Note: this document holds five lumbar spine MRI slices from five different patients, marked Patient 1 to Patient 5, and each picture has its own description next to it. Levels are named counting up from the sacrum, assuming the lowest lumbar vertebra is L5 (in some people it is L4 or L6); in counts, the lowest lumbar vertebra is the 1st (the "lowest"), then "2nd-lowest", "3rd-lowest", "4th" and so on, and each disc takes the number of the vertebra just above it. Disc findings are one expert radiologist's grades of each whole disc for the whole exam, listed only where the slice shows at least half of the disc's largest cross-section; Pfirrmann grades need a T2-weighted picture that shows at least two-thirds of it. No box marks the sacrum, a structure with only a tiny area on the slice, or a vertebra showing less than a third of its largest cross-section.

Patient 1 of 5:
Slice 13 of 18; Slice spacing 4.4 mm; Sagittal T2-weighted lumbar spine MRI 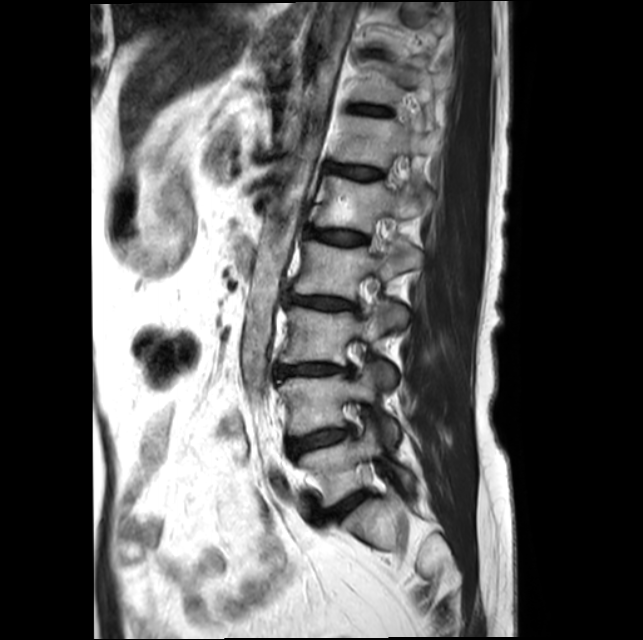 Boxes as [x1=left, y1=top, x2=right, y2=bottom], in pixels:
lowest vertebra — [x1=298, y1=427, x2=412, y2=506] | 7th disc — [x1=352, y1=104, x2=389, y2=115] | 7th vertebra — [x1=353, y1=60, x2=443, y2=104] | lowest disc — [x1=330, y1=492, x2=367, y2=518] | 4th disc — [x1=289, y1=295, x2=356, y2=310] | 3rd-lowest disc — [x1=277, y1=364, x2=351, y2=376] | 2nd-lowest disc — [x1=288, y1=428, x2=352, y2=456] | 5th vertebra — [x1=313, y1=175, x2=419, y2=233] | 2nd-lowest vertebra — [x1=277, y1=365, x2=397, y2=444] | 5th disc — [x1=309, y1=230, x2=366, y2=244] | 6th disc — [x1=328, y1=164, x2=381, y2=180] | 4th vertebra — [x1=294, y1=240, x2=421, y2=325] | 6th vertebra — [x1=335, y1=114, x2=422, y2=168] | 3rd-lowest vertebra — [x1=279, y1=301, x2=404, y2=385]

Expert MSK radiologist gradings (per disc):
- 3rd-lowest disc: Pfirrmann grade 3, Modic type II, lower-endplate change, disc bulging, upper-endplate change, disc narrowing
- 5th disc: Pfirrmann grade 2, Modic type II
- 6th disc: Pfirrmann grade 2
- 4th disc: Pfirrmann grade 3, disc narrowing, Modic type II, disc bulging, lower-endplate change, upper-endplate change
- 2nd-lowest disc: Pfirrmann grade 2, upper-endplate change, lower-endplate change, disc bulging, Modic type II
- 7th disc: no herniation, bulging, narrowing, spondylolisthesis, endplate or Modic change recorded

Patient 2 of 5:
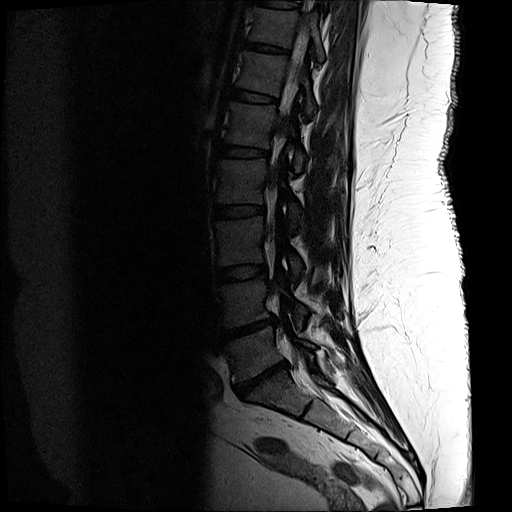 Sagittal T2-weighted lumbar spine MRI

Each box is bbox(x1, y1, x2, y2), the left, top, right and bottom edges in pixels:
Intervertebral disc L2/L3 = bbox(214, 205, 264, 217).
Intervertebral disc T11/T12 = bbox(246, 42, 288, 52).
L2 = bbox(216, 159, 302, 230).
L4 vertebra = bbox(219, 275, 307, 327).
T11 vertebra = bbox(250, 7, 324, 61).
L5 = bbox(224, 326, 317, 382).
L1 = bbox(226, 102, 306, 172).
L1/L2 = bbox(221, 144, 268, 157).
Thecal sac / spinal canal = bbox(268, 26, 308, 360).
L3 = bbox(215, 216, 303, 279).
Intervertebral disc L4/L5 = bbox(223, 317, 277, 340).
Intervertebral disc L3/L4 = bbox(217, 265, 266, 282).
T12 = bbox(238, 51, 317, 117).
T12/L1 = bbox(234, 90, 276, 102).
L5/S1 = bbox(234, 361, 288, 398).

Per-level radiological findings:
  L4/L5: Pfirrmann grade 5, disc herniation, Modic type II, upper-endplate change, lower-endplate change, disc narrowing
  L3/L4: Pfirrmann grade 3
  L5/S1: Pfirrmann grade 5, Modic type II, disc herniation, lower-endplate change, upper-endplate change, disc narrowing
  L2/L3: Pfirrmann grade 3, lower-endplate change, upper-endplate change
  T11/T12: Pfirrmann grade 3, lower-endplate change
  L1/L2: Pfirrmann grade 3, lower-endplate change
  T12/L1: Pfirrmann grade 3

Patient 3 of 5:
Image 512x640. Field of view 240x300 mm, slice spacing 0.9 mm. MRI lumbar spine (T2 SPACE (3D)), sagittal plane. 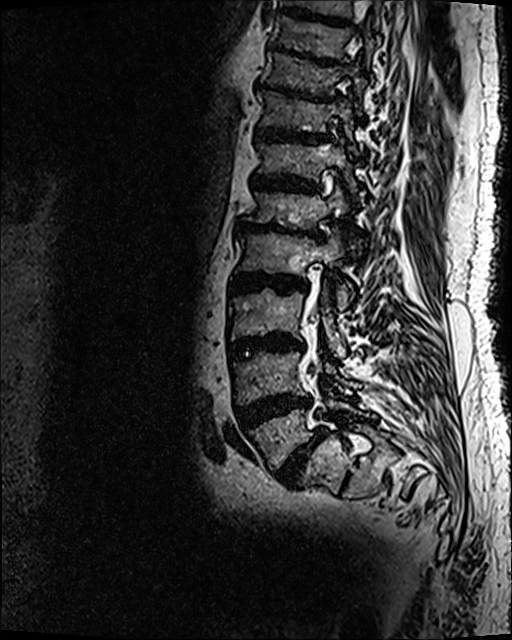 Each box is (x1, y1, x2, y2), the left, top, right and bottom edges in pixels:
Structures:
- T9/T10 = (266, 45, 341, 65)
- L4 vertebra = (231, 352, 360, 403)
- T11 vertebra = (258, 91, 355, 152)
- L2 vertebra = (236, 224, 355, 310)
- disc L2/L3 = (229, 271, 307, 293)
- L3/L4 = (229, 333, 303, 358)
- L1 vertebra = (241, 178, 356, 248)
- disc T11/T12 = (254, 127, 332, 145)
- L5 vertebra = (246, 397, 376, 469)
- L1/L2 = (235, 219, 326, 241)
- T12 vertebra = (255, 134, 363, 204)
- disc L4/L5 = (234, 394, 313, 431)
- L5/S1 = (276, 427, 326, 487)
- L3 = (231, 280, 346, 358)
- T10 vertebra = (261, 50, 366, 116)
- disc T10/T11 = (255, 82, 331, 103)
- disc T12/L1 = (250, 174, 319, 194)

Per-level radiological findings:
  T11/T12: Pfirrmann grade 5, disc narrowing, lower-endplate change, disc bulging, upper-endplate change, Modic type II
  L2/L3: Pfirrmann grade 5, Modic type II, disc bulging, lower-endplate change, disc narrowing, upper-endplate change
  L3/L4: Pfirrmann grade 5, lower-endplate change, upper-endplate change, disc narrowing, disc bulging, Modic type II
  L4/L5: Pfirrmann grade 5, lower-endplate change, disc narrowing, Modic type II, disc bulging, upper-endplate change
  T12/L1: Pfirrmann grade 5, disc bulging, disc narrowing, lower-endplate change, Modic type II, upper-endplate change
  L5/S1: Pfirrmann grade 5, lower-endplate change, upper-endplate change, disc narrowing, Modic type II, spondylolisthesis, disc bulging
  L1/L2: upper-endplate change, disc bulging, disc narrowing, lower-endplate change, Modic type II

Patient 4 of 5:
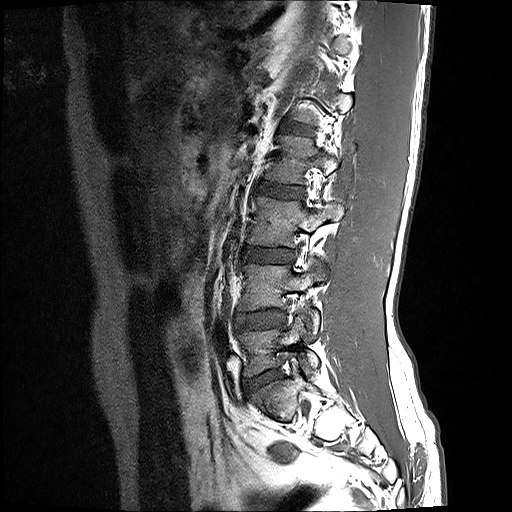 Field of view 300x300 mm, slice spacing 3.3 mm, Patient sex: M, MRI lumbar spine (T1-weighted), sagittal plane
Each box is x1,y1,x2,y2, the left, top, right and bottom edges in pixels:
Segmented structures:
- intervertebral disc L2/L3: 260,182,303,198
- L1/L2: 283,124,312,134
- L4/L5: 234,309,285,330
- L5/S1: 243,369,280,392
- L5 vertebra: 238,312,319,377
- L3 vertebra: 247,195,343,246
- L2 vertebra: 264,135,355,183
- intervertebral disc L3/L4: 243,248,294,263
- L4 vertebra: 238,258,325,337

Per-level radiological findings:
- L3/L4: disc bulging
- L4/L5: disc bulging
- L2/L3: no Modic or endplate change, herniation, narrowing, bulging or spondylolisthesis recorded

Patient 5 of 5:
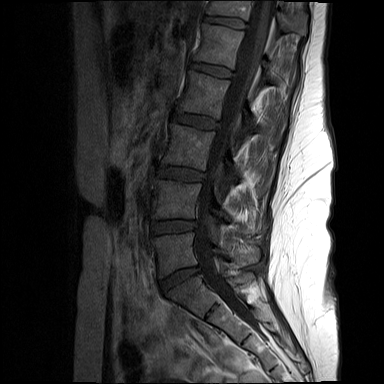 Field of view 280x280 mm, slice spacing 4.4 mm. MRI lumbar spine (T1-weighted), sagittal plane.
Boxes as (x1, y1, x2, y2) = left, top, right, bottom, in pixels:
3rd-lowest disc: (157, 167, 203, 181).
6th vertebra: (207, 0, 307, 34).
4th vertebra: (178, 70, 253, 136).
5th vertebra: (194, 23, 271, 80).
Lowest disc: (160, 267, 198, 291).
4th disc: (172, 113, 218, 128).
5th disc: (192, 63, 231, 77).
2nd-lowest disc: (151, 221, 195, 233).
2nd-lowest vertebra: (152, 179, 261, 233).
6th disc: (205, 16, 245, 28).
3rd-lowest vertebra: (162, 124, 237, 188).
Lowest vertebra: (151, 232, 258, 278).
Thecal sac / spinal canal: (195, 0, 275, 320).

Per-level radiological findings:
• 6th disc, 5th disc, lowest disc, 2nd-lowest disc, 4th disc, 3rd-lowest disc: no herniation, bulging, narrowing, spondylolisthesis, endplate or Modic change recorded